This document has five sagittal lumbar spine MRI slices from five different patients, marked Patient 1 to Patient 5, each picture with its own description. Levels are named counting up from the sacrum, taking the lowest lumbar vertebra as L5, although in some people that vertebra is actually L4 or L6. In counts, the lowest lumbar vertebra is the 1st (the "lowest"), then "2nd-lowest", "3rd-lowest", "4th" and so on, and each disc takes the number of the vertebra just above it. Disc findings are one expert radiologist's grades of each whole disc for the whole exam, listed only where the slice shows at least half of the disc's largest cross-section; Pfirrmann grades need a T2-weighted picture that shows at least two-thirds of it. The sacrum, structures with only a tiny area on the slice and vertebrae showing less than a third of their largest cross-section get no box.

Patient 1 of 5:
Image 448x456, Lumbar spine MR, T2-weighted, sagittal, Slice 7/30

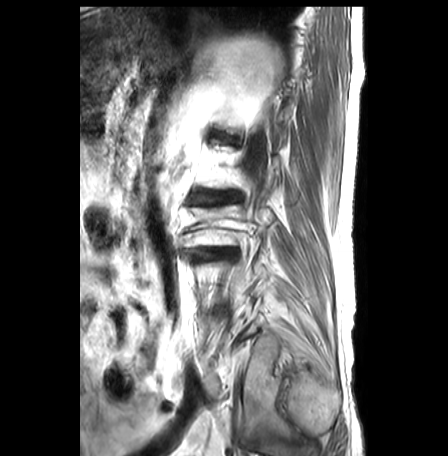 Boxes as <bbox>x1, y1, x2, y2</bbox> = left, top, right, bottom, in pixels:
L3/L4 = <bbox>190, 248, 232, 260</bbox>.
Disc L2/L3 = <bbox>190, 189, 241, 203</bbox>.

Expert MSK radiologist gradings (per disc):
  L2/L3: disc bulging, upper-endplate change, disc narrowing, Modic type II, lower-endplate change

Patient 2 of 5:
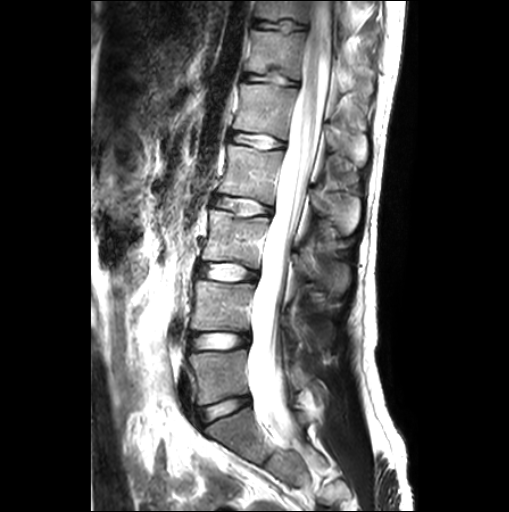 T2-weighted sagittal MRI of the lumbar spine.

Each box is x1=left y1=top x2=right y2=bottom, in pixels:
2nd-lowest vertebra = x1=191 y1=279 x2=297 y2=340 | thecal sac / spinal canal = x1=250 y1=0 x2=333 y2=442 | 5th disc = x1=229 y1=132 x2=283 y2=147 | 7th disc = x1=252 y1=19 x2=307 y2=30 | 3rd-lowest disc = x1=199 y1=263 x2=257 y2=281 | lowest vertebra = x1=189 y1=349 x2=299 y2=405 | 4th vertebra = x1=217 y1=143 x2=361 y2=232 | 6th disc = x1=243 y1=73 x2=298 y2=85 | 2nd-lowest disc = x1=190 y1=333 x2=249 y2=348 | 4th disc = x1=213 y1=196 x2=271 y2=214 | lowest disc = x1=198 y1=396 x2=250 y2=424 | 7th vertebra = x1=254 y1=0 x2=354 y2=31 | 5th vertebra = x1=233 y1=83 x2=367 y2=165 | 3rd-lowest vertebra = x1=201 y1=208 x2=349 y2=294 | 6th vertebra = x1=246 y1=30 x2=359 y2=91

Expert MSK radiologist gradings (per disc):
• 3rd-lowest disc: Pfirrmann grade 1
• 4th disc: Pfirrmann grade 1
• 2nd-lowest disc: Pfirrmann grade 1
• 7th disc: Pfirrmann grade 1, upper-endplate change, lower-endplate change
• lowest disc: Pfirrmann grade 1
• 5th disc: Pfirrmann grade 1, Modic type II
• 6th disc: Pfirrmann grade 1, upper-endplate change, lower-endplate change

Patient 3 of 5:
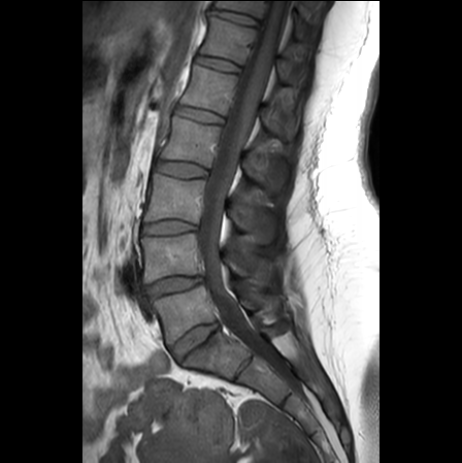 Sagittal T1-weighted lumbar spine MRI, Sagittal slice index 12

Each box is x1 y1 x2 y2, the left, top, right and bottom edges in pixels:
L4/L5 — 145 276 202 297.
L1 — 180 64 297 141.
T11/T12 — 212 9 257 25.
IVD L2/L3 — 156 160 206 176.
L2 vertebra — 160 116 287 190.
Thecal sac / spinal canal — 198 1 289 377.
L1/L2 — 176 106 223 122.
IVD L5/S1 — 171 321 219 360.
T12/L1 — 196 55 239 71.
L5 — 155 285 278 342.
L3 — 144 173 276 242.
T11 vertebra — 216 0 324 42.
L4 vertebra — 141 232 274 281.
IVD L3/L4 — 142 220 196 234.
T12 — 200 16 304 82.

Expert MSK radiologist gradings (per disc):
  L4/L5: disc bulging, disc narrowing
  L5/S1: disc narrowing, disc bulging
  T12/L1, T11/T12, L3/L4, L1/L2, L2/L3: no Modic or endplate change, herniation, narrowing, bulging or spondylolisthesis recorded

Patient 4 of 5:
Lumbar spine MR, T2-weighted, sagittal; Sagittal slice index 8
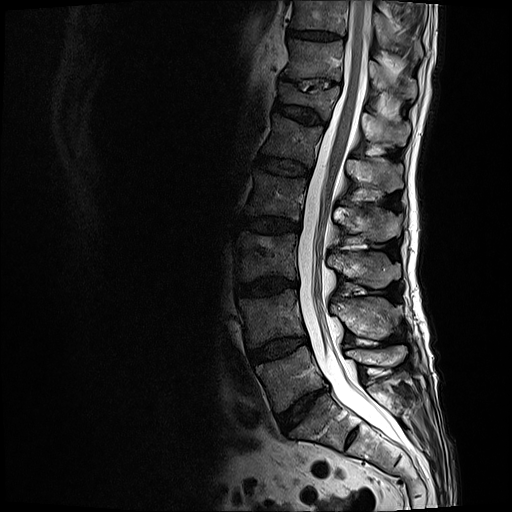 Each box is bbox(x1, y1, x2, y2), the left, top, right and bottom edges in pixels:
disc L1/L2 = bbox(257, 154, 309, 174) | L5/S1 = bbox(278, 388, 325, 434) | disc L3/L4 = bbox(235, 277, 297, 295) | L3 = bbox(236, 231, 401, 287) | L1 vertebra = bbox(263, 111, 403, 190) | L4/L5 = bbox(249, 337, 307, 362) | thecal sac / spinal canal = bbox(297, 0, 401, 443) | T10 vertebra = bbox(293, 0, 423, 56) | T10/T11 = bbox(290, 29, 339, 38) | disc T11/T12 = bbox(299, 79, 334, 89) | T12 vertebra = bbox(278, 82, 411, 146) | disc L2/L3 = bbox(238, 214, 299, 232) | L2 vertebra = bbox(246, 169, 401, 240) | T12/L1 = bbox(275, 101, 327, 125) | L4 = bbox(239, 289, 402, 346) | T11 vertebra = bbox(284, 39, 417, 98) | L5 vertebra = bbox(256, 345, 406, 410)

Per-level radiological findings:
  T10/T11: Pfirrmann grade 3
  L5/S1: Pfirrmann grade 4, disc narrowing, disc bulging
  L3/L4: Pfirrmann grade 4, disc narrowing, disc bulging, Modic type II
  L2/L3: Pfirrmann grade 3, disc bulging, Modic type II
  L1/L2: Pfirrmann grade 3
  T11/T12: Pfirrmann grade 5, upper-endplate change, disc narrowing, lower-endplate change
  T12/L1: Pfirrmann grade 3, lower-endplate change, upper-endplate change
  L4/L5: Pfirrmann grade 3, Modic type II, disc bulging

Patient 5 of 5:
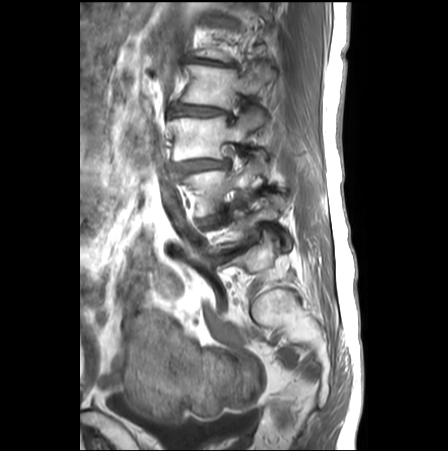

Field of view 280x282 mm, slice spacing 3.3 mm; MRI lumbar spine (T1-weighted), sagittal plane; Patient sex: F
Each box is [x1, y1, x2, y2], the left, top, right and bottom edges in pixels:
Segmented structures:
* disc L1/L2: [185, 56, 236, 66]
* L2 vertebra: [181, 64, 273, 108]
* L4 vertebra: [174, 157, 267, 216]
* L3 vertebra: [168, 110, 267, 161]
* L4/L5: [200, 201, 237, 227]
* L5 vertebra: [214, 194, 292, 252]
* disc L2/L3: [169, 104, 231, 118]
* disc L5/S1: [215, 237, 255, 257]
* disc L3/L4: [174, 160, 228, 173]

Expert MSK radiologist gradings (per disc):
  L2/L3: disc bulging, upper-endplate change, spondylolisthesis, Modic type II, lower-endplate change, disc narrowing
  L4/L5: spondylolisthesis, lower-endplate change, upper-endplate change, disc herniation, disc bulging, disc narrowing, Modic type II
  L1/L2: lower-endplate change, disc bulging, disc narrowing
  L3/L4: upper-endplate change, lower-endplate change, disc narrowing, disc bulging, Modic type II, spondylolisthesis